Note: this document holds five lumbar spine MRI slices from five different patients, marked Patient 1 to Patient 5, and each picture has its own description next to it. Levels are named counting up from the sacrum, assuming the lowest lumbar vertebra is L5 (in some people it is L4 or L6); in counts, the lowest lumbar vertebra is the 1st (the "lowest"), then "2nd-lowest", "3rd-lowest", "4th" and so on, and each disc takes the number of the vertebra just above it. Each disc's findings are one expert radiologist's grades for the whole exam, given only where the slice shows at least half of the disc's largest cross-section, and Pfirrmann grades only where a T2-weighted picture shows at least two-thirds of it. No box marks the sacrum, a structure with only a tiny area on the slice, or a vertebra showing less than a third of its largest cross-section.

Patient 1 of 5:
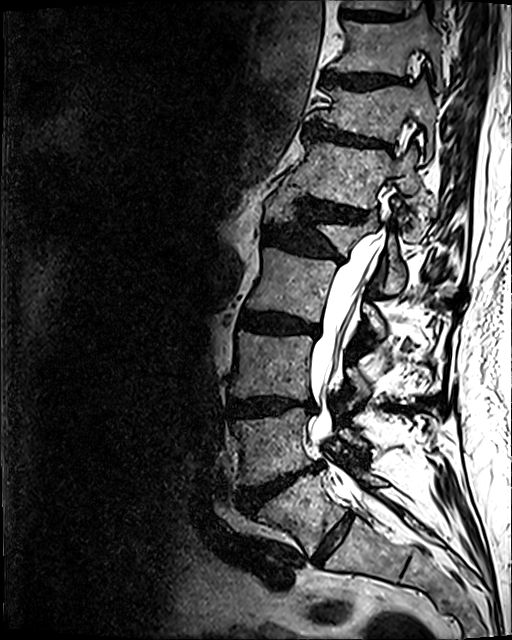

T2 SPACE (3D) sagittal MRI of the lumbar spine | Field of view 240x300 mm, slice spacing 0.9 mm | Sex M | Slice 55/120

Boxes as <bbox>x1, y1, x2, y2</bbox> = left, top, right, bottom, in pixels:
Segmented structures:
- L5: <bbox>263, 472, 384, 555</bbox>
- T12/L1: <bbox>297, 197, 367, 222</bbox>
- L4: <bbox>233, 408, 365, 485</bbox>
- L3 vertebra: <bbox>230, 332, 370, 409</bbox>
- L2/L3: <bbox>239, 311, 318, 334</bbox>
- T11: <bbox>306, 81, 436, 156</bbox>
- IVD L4/L5: <bbox>241, 463, 322, 512</bbox>
- IVD T11/T12: <bbox>306, 123, 387, 147</bbox>
- L5/S1: <bbox>312, 512, 354, 564</bbox>
- IVD T10/T11: <bbox>323, 72, 400, 89</bbox>
- IVD T9/T10: <bbox>342, 10, 395, 19</bbox>
- spinal canal: <bbox>308, 228, 386, 502</bbox>
- T10: <bbox>332, 14, 442, 88</bbox>
- T12 vertebra: <bbox>287, 138, 427, 241</bbox>
- L1 vertebra: <bbox>264, 186, 405, 293</bbox>
- L3/L4: <bbox>230, 397, 314, 418</bbox>
- L1/L2: <bbox>264, 224, 343, 260</bbox>
- L2: <bbox>246, 247, 386, 338</bbox>

Degenerative findings by level:
• L5/S1: Pfirrmann grade 2
• L4/L5: Pfirrmann grade 5, Modic type II, upper-endplate change, lower-endplate change, disc bulging, disc narrowing, disc herniation
• T12/L1: Pfirrmann grade 4, disc narrowing, lower-endplate change, upper-endplate change, disc bulging
• T10/T11: Pfirrmann grade 4, disc bulging, upper-endplate change, lower-endplate change
• L1/L2: Pfirrmann grade 4, disc bulging, upper-endplate change, disc narrowing, lower-endplate change
• L2/L3: Pfirrmann grade 4, Modic type II, disc bulging, disc narrowing, lower-endplate change, upper-endplate change
• L3/L4: Pfirrmann grade 4, upper-endplate change, lower-endplate change, disc bulging, disc narrowing
• T9/T10: lower-endplate change
• T11/T12: Pfirrmann grade 4, disc narrowing, lower-endplate change, disc bulging, upper-endplate change

Patient 2 of 5:
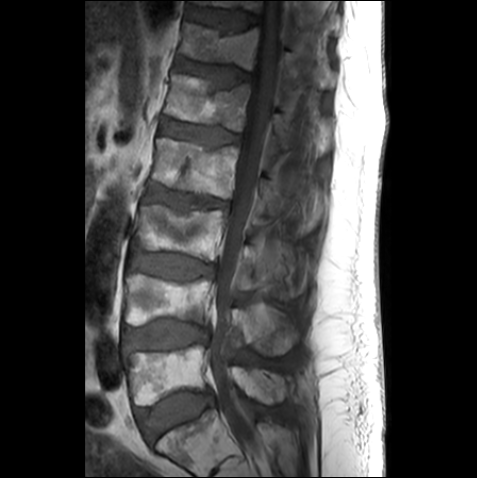 MRI lumbar spine (T1-weighted), sagittal plane | Sagittal slice index 11 | Slice spacing 3.3 mm | Image 477x478

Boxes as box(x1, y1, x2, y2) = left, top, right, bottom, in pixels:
4th vertebra = box(152, 137, 283, 215).
7th vertebra = box(193, 0, 335, 31).
3rd-lowest vertebra = box(132, 204, 288, 298).
5th vertebra = box(164, 73, 289, 149).
Lowest vertebra = box(123, 344, 286, 405).
Thecal sac / spinal canal = box(209, 0, 284, 456).
2nd-lowest disc = box(123, 319, 208, 350).
6th disc = box(176, 59, 250, 86).
2nd-lowest vertebra = box(124, 271, 298, 354).
6th vertebra = box(179, 22, 335, 87).
4th disc = box(145, 184, 228, 212).
5th disc = box(161, 119, 240, 145).
7th disc = box(187, 7, 256, 30).
Lowest disc = box(136, 391, 212, 441).
3rd-lowest disc = box(132, 254, 214, 279).

Radiological gradings:
• 4th disc: upper-endplate change
• 2nd-lowest disc: lower-endplate change
• 6th disc: upper-endplate change
• lowest disc, 5th disc, 3rd-lowest disc, 7th disc: no Modic or endplate change, herniation, narrowing, bulging or spondylolisthesis recorded

Patient 3 of 5:
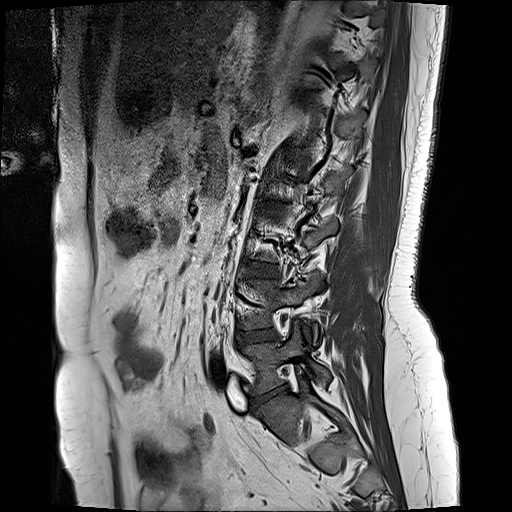 Slice 3/17, Lumbar spine MR, T1-weighted, sagittal, Sex F
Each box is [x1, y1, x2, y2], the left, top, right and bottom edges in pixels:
Segmented structures:
- L5 vertebra: [245, 321, 329, 394]
- disc L3/L4: [248, 264, 277, 278]
- L4/L5: [235, 331, 277, 345]
- L2/L3: [265, 205, 284, 215]
- L4: [241, 274, 321, 343]
- disc L5/S1: [254, 389, 284, 404]

Patient 4 of 5:
Slice spacing 3.3 mm | Philips Healthcare Ingenia (3T) | Lumbar spine MR, T1-weighted, sagittal | Patient sex: F | 471x478 px

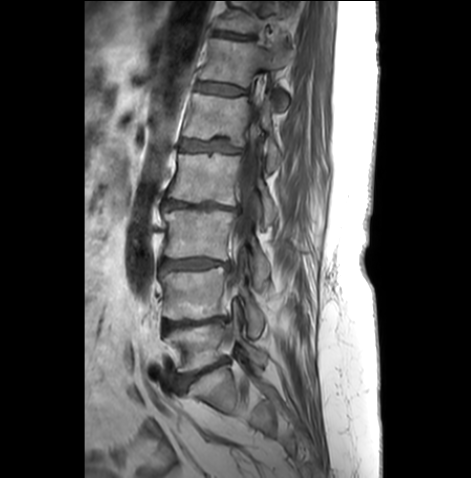

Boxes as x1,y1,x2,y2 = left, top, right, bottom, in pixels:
- 4th disc: 164,199,239,212
- 7th vertebra: 215,1,293,32
- lowest vertebra: 166,317,267,372
- thecal sac / spinal canal: 234,99,259,287
- 6th disc: 196,82,245,95
- 3rd-lowest vertebra: 164,208,271,288
- 5th vertebra: 183,92,282,173
- 4th vertebra: 169,153,278,227
- 7th disc: 214,30,254,38
- 2nd-lowest disc: 164,317,226,331
- 6th vertebra: 199,38,290,111
- lowest disc: 178,358,228,388
- 3rd-lowest disc: 162,258,230,271
- 5th disc: 182,140,240,152
- 2nd-lowest vertebra: 162,265,265,336

Per-level radiological findings:
- 3rd-lowest disc: disc bulging, Modic type II, disc narrowing
- 4th disc: disc narrowing, disc bulging, upper-endplate change, lower-endplate change, Modic type II
- 7th disc: lower-endplate change, disc bulging, upper-endplate change
- 2nd-lowest disc: disc narrowing, upper-endplate change, disc bulging, Modic type II, lower-endplate change
- 6th disc: upper-endplate change, lower-endplate change, disc bulging
- 5th disc: upper-endplate change, lower-endplate change, disc bulging, Modic type II
- lowest disc: disc bulging, disc narrowing, Modic type II

Patient 5 of 5:
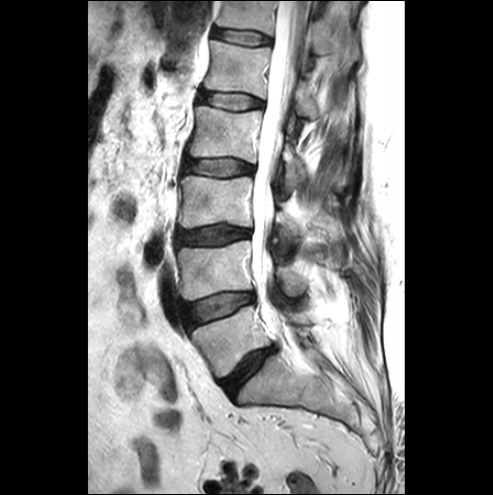 Sagittal T2-weighted lumbar spine MRI
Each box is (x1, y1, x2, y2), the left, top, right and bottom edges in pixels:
L2 vertebra: (189, 106, 309, 184) | L1/L2: (199, 91, 262, 109) | thecal sac / spinal canal: (252, 1, 308, 316) | T12/L1: (213, 29, 272, 44) | intervertebral disc L3/L4: (178, 226, 250, 244) | L4 vertebra: (178, 241, 307, 300) | intervertebral disc L5/S1: (220, 346, 274, 395) | T12: (217, 1, 360, 61) | L1 vertebra: (205, 40, 319, 117) | L5: (191, 306, 310, 377) | L3: (179, 175, 301, 236) | intervertebral disc L4/L5: (186, 293, 254, 327) | intervertebral disc L2/L3: (185, 159, 253, 176)

Radiological gradings:
• L5/S1: Pfirrmann grade 4, disc bulging, disc narrowing
• L2/L3: Pfirrmann grade 1
• L1/L2: Pfirrmann grade 1
• L4/L5: Pfirrmann grade 1, Modic type III, disc bulging
• L3/L4: Pfirrmann grade 3, disc bulging
• T12/L1: Pfirrmann grade 1